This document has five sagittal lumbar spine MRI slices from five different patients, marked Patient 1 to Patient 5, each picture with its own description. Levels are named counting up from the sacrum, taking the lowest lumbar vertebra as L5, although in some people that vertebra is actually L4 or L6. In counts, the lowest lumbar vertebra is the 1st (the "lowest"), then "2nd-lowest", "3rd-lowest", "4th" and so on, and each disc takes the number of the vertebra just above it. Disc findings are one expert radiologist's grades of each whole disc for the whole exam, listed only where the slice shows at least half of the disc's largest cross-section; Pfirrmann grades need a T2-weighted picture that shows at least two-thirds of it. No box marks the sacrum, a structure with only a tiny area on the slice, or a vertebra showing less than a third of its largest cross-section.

Patient 1 of 5:
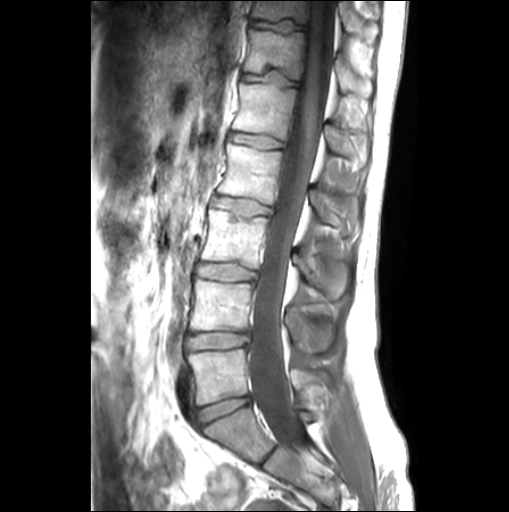 MRI lumbar spine (T1-weighted), sagittal plane, Field of view 280x281 mm, Sagittal slice index 13, Sex M

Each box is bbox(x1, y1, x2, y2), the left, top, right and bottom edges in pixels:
L1/L2: bbox(229, 132, 283, 149).
IVD L4/L5: bbox(189, 333, 249, 348).
L3 vertebra: bbox(201, 208, 346, 298).
T12: bbox(244, 29, 371, 95).
IVD L2/L3: bbox(213, 196, 271, 214).
IVD L5/S1: bbox(197, 396, 250, 426).
L4 vertebra: bbox(190, 279, 331, 352).
L2: bbox(217, 142, 338, 225).
L1: bbox(233, 83, 366, 163).
Thecal sac / spinal canal: bbox(250, 0, 336, 446).
T12/L1: bbox(242, 71, 298, 86).
T11 vertebra: bbox(251, 0, 380, 42).
IVD L3/L4: bbox(198, 263, 257, 279).
L5: bbox(189, 349, 324, 405).
IVD T11/T12: bbox(250, 20, 306, 32).

Per-level radiological findings:
  T11/T12: upper-endplate change, lower-endplate change
  L1/L2: Modic type II
  T12/L1: upper-endplate change, lower-endplate change
  L2/L3, L3/L4, L5/S1, L4/L5: no herniation, bulging, narrowing, spondylolisthesis, endplate or Modic change recorded

Patient 2 of 5:
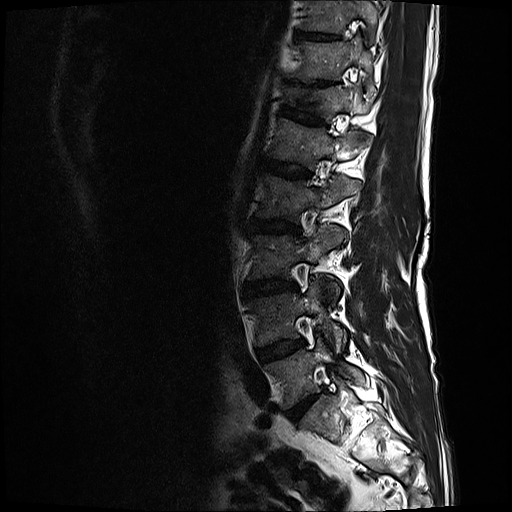
Sex M; T2-weighted sagittal MRI of the lumbar spine

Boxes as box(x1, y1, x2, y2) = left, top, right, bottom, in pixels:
{"3rd-lowest vertebra": "box(254, 225, 347, 278)", "7th disc": "box(310, 81, 333, 84)", "8th vertebra": "box(305, 0, 378, 34)", "3rd-lowest disc": "box(246, 279, 297, 294)", "lowest vertebra": "box(266, 338, 364, 408)", "5th vertebra": "box(270, 118, 371, 169)", "6th disc": "box(282, 102, 327, 124)", "6th vertebra": "box(286, 85, 371, 119)", "lowest disc": "box(287, 395, 317, 421)", "2nd-lowest disc": "box(258, 339, 303, 361)", "4th vertebra": "box(258, 175, 362, 220)", "2nd-lowest vertebra": "box(251, 279, 345, 350)", "5th disc": "box(265, 159, 309, 178)", "8th disc": "box(297, 30, 338, 38)", "7th vertebra": "box(293, 39, 373, 87)", "4th disc": "box(249, 218, 299, 232)"}

Per-level radiological findings:
  3rd-lowest disc: Pfirrmann grade 4, disc narrowing, Modic type II, disc bulging
  5th disc: Pfirrmann grade 3
  2nd-lowest disc: Pfirrmann grade 3, Modic type II, disc bulging
  6th disc: Pfirrmann grade 3, lower-endplate change, upper-endplate change
  4th disc: disc bulging, Modic type II
  8th disc: no Modic or endplate change, herniation, narrowing, bulging or spondylolisthesis recorded

Patient 3 of 5:
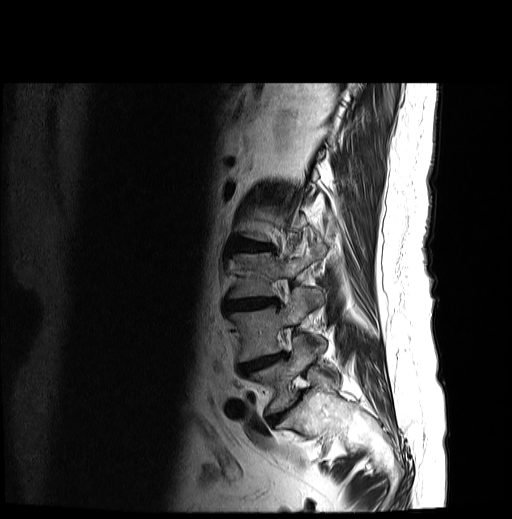 Sex F. T2-weighted sagittal MRI of the lumbar spine. Slice 21/27.
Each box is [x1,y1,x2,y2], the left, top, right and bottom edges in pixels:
Annotations:
* L3/L4 (3rd-lowest disc) at [224,297,279,311]
* L5 (lowest vertebra) at [248,338,339,415]
* IVD L2/L3 (4th disc) at [235,242,273,251]
* L4 (2nd-lowest vertebra) at [229,287,325,362]
* L3 (3rd-lowest vertebra) at [229,244,326,298]
* L4/L5 (2nd-lowest disc) at [238,351,287,375]
* IVD L5/S1 (lowest disc) at [267,400,296,425]

Degenerative findings by level:
  L2/L3 (4th disc): Pfirrmann grade 4, lower-endplate change, disc narrowing, Modic type II, upper-endplate change, disc bulging
  L3/L4 (3rd-lowest disc): Pfirrmann grade 4, lower-endplate change, upper-endplate change, Modic type II, disc narrowing, disc bulging
  L4/L5 (2nd-lowest disc): Pfirrmann grade 5, lower-endplate change, Modic type II, disc bulging, upper-endplate change, disc narrowing

Patient 4 of 5:
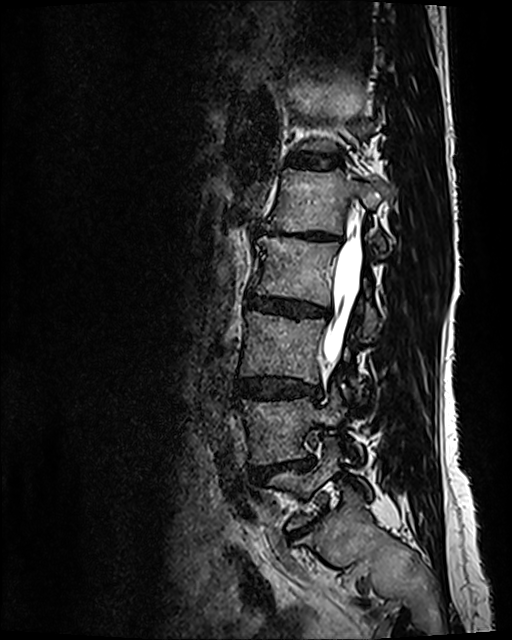 MRI lumbar spine (T2 SPACE (3D)), sagittal plane
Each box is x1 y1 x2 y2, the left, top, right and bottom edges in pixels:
L5 vertebra at 267 439 371 528, L4 at 241 386 362 465, L1/L2 at 262 226 341 243, L1 vertebra at 269 168 394 249, L3 at 241 311 359 399, L2 vertebra at 253 236 377 333, IVD T12/L1 at 291 154 340 168, IVD L2/L3 at 248 294 328 316, L5/S1 at 290 519 316 537, L3/L4 at 238 377 320 399, thecal sac / spinal canal at 323 222 361 364, IVD L4/L5 at 251 458 312 480.

Per-level radiological findings:
- L3/L4: Pfirrmann grade 3, disc bulging
- L1/L2: Pfirrmann grade 5, disc bulging, Modic type II, upper-endplate change, lower-endplate change, disc narrowing
- L2/L3: Pfirrmann grade 3, disc narrowing, disc bulging
- L4/L5: disc bulging, Modic type II, disc narrowing

Patient 5 of 5:
Lumbar spine MR, T2 SPACE (3D), sagittal. Image 512x640.
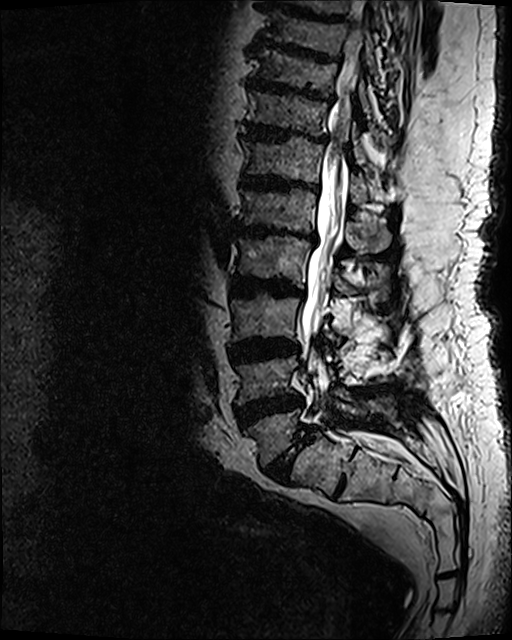
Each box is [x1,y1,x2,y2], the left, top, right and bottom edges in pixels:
Segmented structures:
* L1/L2 = [234,224,316,246]
* thecal sac / spinal canal = [301,5,388,452]
* L5 = [243,392,394,466]
* L5/S1 = [265,426,315,483]
* T12/L1 = [241,173,318,192]
* disc T10/T11 = [247,77,334,103]
* L2 = [237,234,391,302]
* T10 = [253,49,372,117]
* L4 vertebra = [235,356,385,403]
* T11/T12 = [241,122,328,143]
* disc T9/T10 = [249,44,342,63]
* T12 = [241,137,367,203]
* L1 = [239,187,392,252]
* T11 vertebra = [247,90,366,164]
* L3 vertebra = [230,294,340,345]
* disc L4/L5 = [232,393,304,428]
* disc L3/L4 = [229,337,299,364]
* disc L2/L3 = [231,276,303,297]

Per-level radiological findings:
• L2/L3: Pfirrmann grade 5, Modic type II, disc bulging, lower-endplate change, upper-endplate change, disc narrowing
• L3/L4: Pfirrmann grade 5, disc narrowing, upper-endplate change, lower-endplate change, disc bulging, Modic type II
• T10/T11: Pfirrmann grade 5, lower-endplate change, disc bulging, Modic type II, upper-endplate change, disc narrowing
• T12/L1: Pfirrmann grade 5, disc narrowing, upper-endplate change, Modic type II, lower-endplate change, disc bulging
• L4/L5: Pfirrmann grade 5, Modic type II, disc bulging, lower-endplate change, upper-endplate change, disc narrowing
• L5/S1: Pfirrmann grade 5, lower-endplate change, spondylolisthesis, disc bulging, disc narrowing, upper-endplate change, Modic type II
• L1/L2: disc bulging, disc narrowing, lower-endplate change, upper-endplate change, Modic type II
• T11/T12: Pfirrmann grade 5, disc narrowing, disc bulging, lower-endplate change, upper-endplate change, Modic type II
• T9/T10: Pfirrmann grade 5, Modic type II, lower-endplate change, disc narrowing, disc bulging, upper-endplate change